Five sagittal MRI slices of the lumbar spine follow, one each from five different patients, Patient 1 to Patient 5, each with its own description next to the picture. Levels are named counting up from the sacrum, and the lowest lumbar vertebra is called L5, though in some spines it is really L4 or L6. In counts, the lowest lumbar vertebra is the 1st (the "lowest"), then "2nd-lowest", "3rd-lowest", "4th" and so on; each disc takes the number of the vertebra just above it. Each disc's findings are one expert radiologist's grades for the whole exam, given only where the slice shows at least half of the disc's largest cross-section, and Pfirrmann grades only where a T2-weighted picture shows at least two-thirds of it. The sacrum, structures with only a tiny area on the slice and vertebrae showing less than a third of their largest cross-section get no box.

Patient 1 of 5:
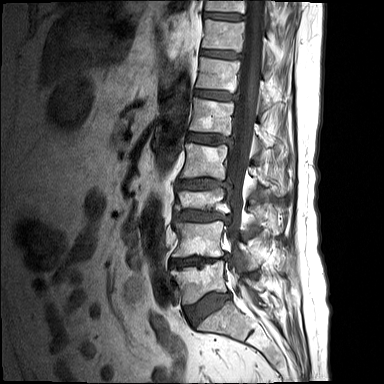 Image 384x384 | Lumbar spine MR, T1-weighted, sagittal | Slice 8 of 17

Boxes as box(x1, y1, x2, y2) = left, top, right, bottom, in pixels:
• T10 vertebra at box(205, 0, 275, 20)
• T11/T12 at box(201, 49, 242, 58)
• L2 vertebra at box(180, 143, 288, 194)
• disc L1/L2 at box(187, 132, 232, 144)
• disc T12/L1 at box(195, 90, 236, 99)
• L4 vertebra at box(173, 220, 259, 270)
• thecal sac / spinal canal at box(226, 0, 265, 295)
• T12 vertebra at box(196, 57, 272, 108)
• disc L3/L4 at box(174, 210, 231, 224)
• disc L2/L3 at box(178, 178, 232, 189)
• L4/L5 at box(171, 254, 228, 268)
• L1 at box(190, 97, 269, 146)
• L5 at box(172, 260, 261, 303)
• disc T10/T11 at box(204, 12, 244, 20)
• T11 at box(202, 19, 291, 64)
• L3 at box(174, 188, 277, 232)
• disc L5/S1 at box(185, 293, 230, 326)

Degenerative findings by level:
  L4/L5: disc narrowing, lower-endplate change, disc bulging, upper-endplate change
  L2/L3: disc bulging, disc narrowing, upper-endplate change, lower-endplate change
  L5/S1: lower-endplate change, upper-endplate change, disc bulging
  L3/L4: lower-endplate change, disc bulging, disc narrowing, upper-endplate change
  L1/L2: disc bulging, lower-endplate change, upper-endplate change
  T11/T12, T12/L1, T10/T11: no Modic or endplate change, herniation, narrowing, bulging or spondylolisthesis recorded

Patient 2 of 5:
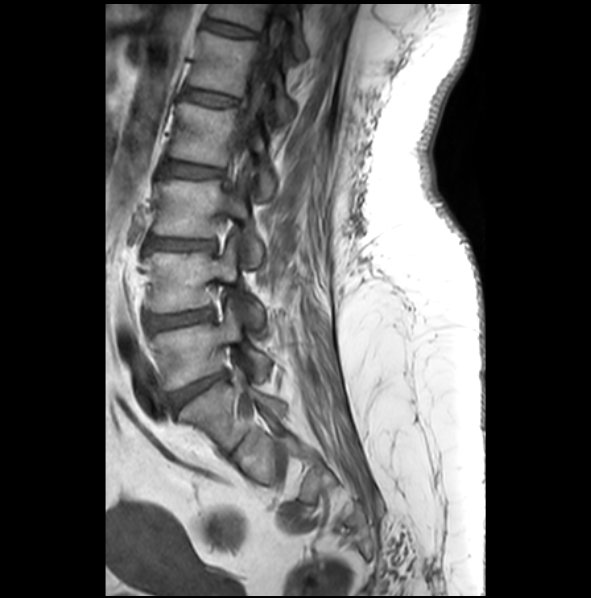 T1-weighted sagittal MRI of the lumbar spine | Sex F

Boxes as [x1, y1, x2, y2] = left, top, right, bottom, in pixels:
Structures:
- 2nd-lowest disc: [146, 308, 214, 332]
- 5th disc: [182, 87, 237, 105]
- 6th vertebra: [209, 4, 307, 59]
- 3rd-lowest vertebra: [153, 179, 263, 265]
- spinal canal: [236, 6, 285, 158]
- lowest vertebra: [152, 302, 270, 389]
- 3rd-lowest disc: [146, 237, 214, 249]
- lowest disc: [169, 371, 229, 408]
- 4th vertebra: [169, 102, 275, 200]
- 2nd-lowest vertebra: [145, 237, 266, 327]
- 5th vertebra: [189, 31, 295, 124]
- 4th disc: [162, 160, 221, 178]
- 6th disc: [206, 19, 254, 36]

Radiological gradings:
• 3rd-lowest disc: disc narrowing, Modic type II, lower-endplate change, upper-endplate change, disc bulging
• 2nd-lowest disc: disc bulging
• lowest disc: upper-endplate change, lower-endplate change, disc bulging
• 4th disc, 6th disc, 5th disc: no spondylolisthesis, narrowing, bulging, herniation, Modic or endplate change recorded

Patient 3 of 5:
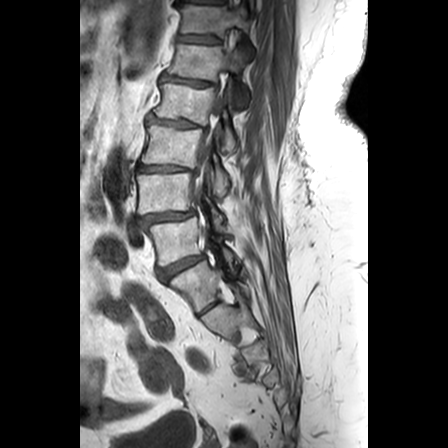

448x448 px; Sagittal slice index 9; T1-weighted sagittal MRI of the lumbar spine
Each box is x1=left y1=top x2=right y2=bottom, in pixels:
L4 vertebra: x1=137 y1=169 x2=224 y2=222
L3: x1=141 y1=121 x2=229 y2=190
L2 vertebra: x1=152 y1=80 x2=236 y2=147
IVD L3/L4: x1=138 y1=162 x2=192 y2=169
L5: x1=148 y1=213 x2=234 y2=263
L2/L3: x1=147 y1=112 x2=202 y2=124
L4/L5: x1=138 y1=208 x2=193 y2=222
T12/L1: x1=175 y1=32 x2=219 y2=40
T12 vertebra: x1=178 y1=0 x2=247 y2=32
IVD L1/L2: x1=159 y1=69 x2=215 y2=83
thecal sac / spinal canal: x1=192 y1=61 x2=225 y2=203
IVD L5/S1: x1=157 y1=250 x2=206 y2=277
L1 vertebra: x1=167 y1=40 x2=243 y2=77

Expert MSK radiologist gradings (per disc):
• L1/L2: upper-endplate change, disc bulging, lower-endplate change, disc narrowing, Modic type II
• L3/L4: disc bulging, disc narrowing, upper-endplate change, Modic type II, lower-endplate change
• L5/S1: disc bulging
• L2/L3: Modic type II, upper-endplate change, lower-endplate change, disc narrowing, disc bulging
• L4/L5: disc narrowing, disc bulging, spondylolisthesis
• T12/L1: lower-endplate change, Modic type II, upper-endplate change

Patient 4 of 5:
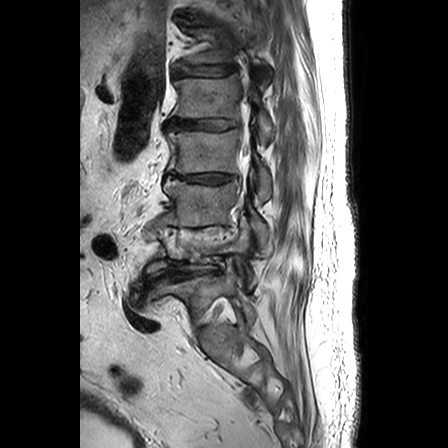 Slice spacing 3.3 mm | Sagittal slice index 18 | T2-weighted sagittal MRI of the lumbar spine | Sex M
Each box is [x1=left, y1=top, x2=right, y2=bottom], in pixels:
Intervertebral disc L1/L2: [x1=166, y1=119, x2=234, y2=131].
T12/L1: [x1=175, y1=65, x2=235, y2=76].
L2: [x1=167, y1=130, x2=271, y2=201].
T12 vertebra: [x1=179, y1=21, x2=272, y2=84].
L4/L5: [x1=145, y1=269, x2=216, y2=285].
L2/L3: [x1=169, y1=174, x2=234, y2=183].
L1 vertebra: [x1=172, y1=74, x2=274, y2=144].
L4: [x1=145, y1=219, x2=256, y2=289].
L5 vertebra: [x1=159, y1=268, x2=255, y2=324].
Thecal sac / spinal canal: [x1=241, y1=138, x2=250, y2=155].
Intervertebral disc L3/L4: [x1=169, y1=224, x2=230, y2=229].
L3 vertebra: [x1=164, y1=180, x2=269, y2=253].

Per-level radiological findings:
  L1/L2: Pfirrmann grade 4, disc narrowing, disc bulging
  T12/L1: Pfirrmann grade 4, disc bulging, disc herniation, disc narrowing
  L2/L3: Pfirrmann grade 4, disc narrowing, disc bulging

Patient 5 of 5:
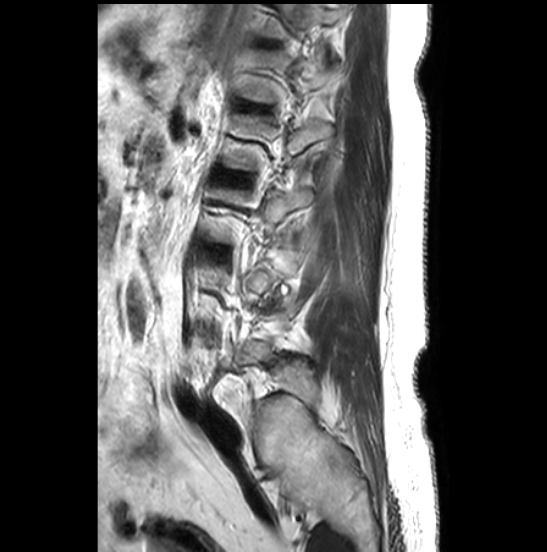
Sagittal slice index 21 | Image 547x552 | Sagittal T2-weighted lumbar spine MRI | Patient sex: F
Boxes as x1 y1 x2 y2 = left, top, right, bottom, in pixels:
T12: 261 3 341 37.
L2/L3: 225 173 236 180.